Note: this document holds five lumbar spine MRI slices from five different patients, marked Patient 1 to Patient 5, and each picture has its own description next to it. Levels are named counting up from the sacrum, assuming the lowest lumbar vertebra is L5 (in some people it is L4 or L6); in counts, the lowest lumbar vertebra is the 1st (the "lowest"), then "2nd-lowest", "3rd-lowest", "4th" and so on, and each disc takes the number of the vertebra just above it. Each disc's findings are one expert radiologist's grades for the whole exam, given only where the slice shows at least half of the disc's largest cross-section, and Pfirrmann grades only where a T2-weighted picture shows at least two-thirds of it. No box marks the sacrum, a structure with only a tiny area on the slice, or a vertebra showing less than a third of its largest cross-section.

Patient 1 of 5:
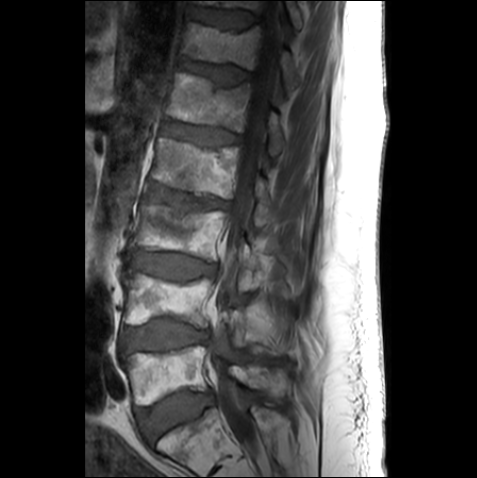 Sagittal slice index 14 | Image 477x478 | Patient sex: M | Slice spacing 3.3 mm | MRI lumbar spine (T1-weighted), sagittal plane

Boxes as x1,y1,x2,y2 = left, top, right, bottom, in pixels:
L2 vertebra at 152,138,270,226; T12/L1 at 181,58,250,85; L4 at 122,268,276,353; L3/L4 at 132,251,215,280; T12 vertebra at 182,23,300,92; intervertebral disc L4/L5 at 122,318,208,350; L5/S1 at 136,391,211,442; intervertebral disc L1/L2 at 164,120,240,145; thecal sac / spinal canal at 209,0,281,454; L1 vertebra at 166,72,286,155; L5 vertebra at 122,345,289,405; L3 at 132,203,261,289; intervertebral disc L2/L3 at 148,183,229,209; intervertebral disc T11/T12 at 191,7,259,30; T11 vertebra at 195,0,303,30.

Expert MSK radiologist gradings (per disc):
  T12/L1: upper-endplate change
  L4/L5: lower-endplate change
  L2/L3: upper-endplate change
  T11/T12, L5/S1, L1/L2, L3/L4: no Modic or endplate change, herniation, narrowing, bulging or spondylolisthesis recorded

Patient 2 of 5:
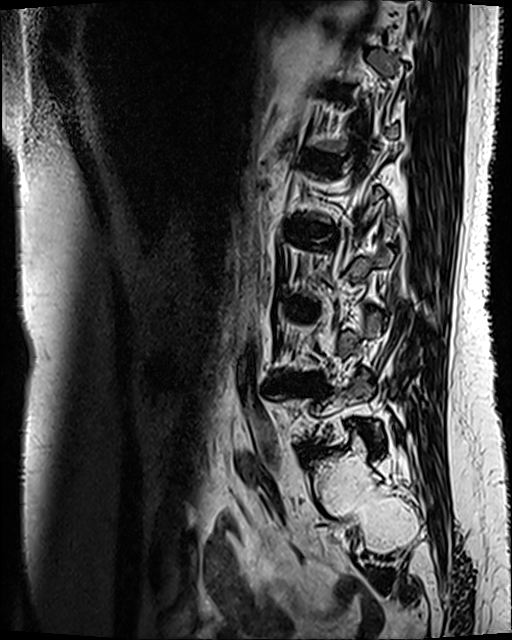 MRI lumbar spine (T2 SPACE (3D)), sagittal plane, Image 512x640, Slice 93 of 120

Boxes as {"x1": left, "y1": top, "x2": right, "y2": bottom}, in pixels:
3rd-lowest disc at {"x1": 286, "y1": 301, "x2": 316, "y2": 314}, 5th disc at {"x1": 303, "y1": 152, "x2": 335, "y2": 168}, 2nd-lowest disc at {"x1": 269, "y1": 379, "x2": 310, "y2": 388}, 4th disc at {"x1": 291, "y1": 224, "x2": 332, "y2": 241}.

Degenerative findings by level:
  4th disc: Modic type II, disc bulging

Patient 3 of 5:
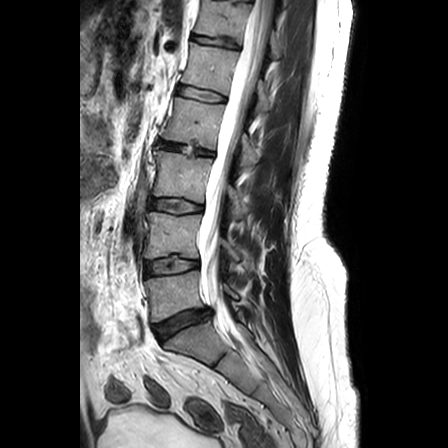 Sagittal T2-weighted lumbar spine MRI | 448x448 px | Patient sex: M

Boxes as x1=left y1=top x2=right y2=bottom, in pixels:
IVD L3/L4 at x1=151 y1=198 x2=201 y2=213, L1/L2 at x1=177 y1=85 x2=224 y2=101, L3 vertebra at x1=154 y1=150 x2=243 y2=218, L2 at x1=163 y1=97 x2=256 y2=170, L5 at x1=145 y1=270 x2=237 y2=321, T12/L1 at x1=192 y1=35 x2=237 y2=48, L1 vertebra at x1=182 y1=43 x2=270 y2=114, thecal sac / spinal canal at x1=202 y1=0 x2=273 y2=337, IVD L4/L5 at x1=145 y1=256 x2=198 y2=274, L5/S1 at x1=154 y1=310 x2=209 y2=340, L4 at x1=145 y1=212 x2=238 y2=261, L2/L3 at x1=158 y1=141 x2=213 y2=155, T12 at x1=196 y1=0 x2=280 y2=58.

Radiological gradings:
  T12/L1: Pfirrmann grade 2, upper-endplate change, lower-endplate change
  L5/S1: Pfirrmann grade 3, disc herniation
  L3/L4: Pfirrmann grade 2, upper-endplate change
  L2/L3: Pfirrmann grade 4, disc bulging, disc narrowing, lower-endplate change, upper-endplate change
  L1/L2: Pfirrmann grade 1
  L4/L5: Pfirrmann grade 2, lower-endplate change

Patient 4 of 5:
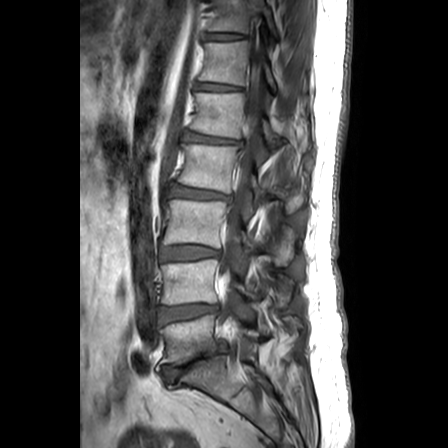

448x448 px, Lumbar spine MR, T1-weighted, sagittal

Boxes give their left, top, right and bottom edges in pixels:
disc L5/S1: left=163, top=344, right=226, bottom=381 | thecal sac / spinal canal: left=219, top=47, right=263, bottom=341 | T11/T12: left=208, top=33, right=241, bottom=39 | disc L3/L4: left=161, top=246, right=218, bottom=259 | disc L1/L2: left=185, top=132, right=237, bottom=143 | L2: left=178, top=144, right=304, bottom=212 | L4: left=162, top=259, right=291, bottom=304 | T12/L1: left=198, top=82, right=238, bottom=90 | disc L2/L3: left=171, top=186, right=229, bottom=200 | L1 vertebra: left=191, top=93, right=279, bottom=146 | T11 vertebra: left=210, top=0, right=277, bottom=36 | T12 vertebra: left=200, top=41, right=277, bottom=91 | L4/L5: left=160, top=304, right=218, bottom=322 | L5 vertebra: left=160, top=315, right=259, bottom=365 | L3: left=162, top=199, right=295, bottom=265

Expert MSK radiologist gradings (per disc):
  L5/S1: disc narrowing, lower-endplate change, Modic type II, spondylolisthesis, disc bulging, upper-endplate change, disc herniation
  L1/L2: Modic type II, upper-endplate change, disc bulging, lower-endplate change
  L2/L3: disc bulging
  L4/L5: disc bulging, disc narrowing
  L3/L4: disc bulging
  T11/T12, T12/L1: no herniation, bulging, narrowing, spondylolisthesis, endplate or Modic change recorded

Patient 5 of 5:
MRI lumbar spine (T1-weighted), sagittal plane | Patient sex: M | Slice spacing 4.4 mm

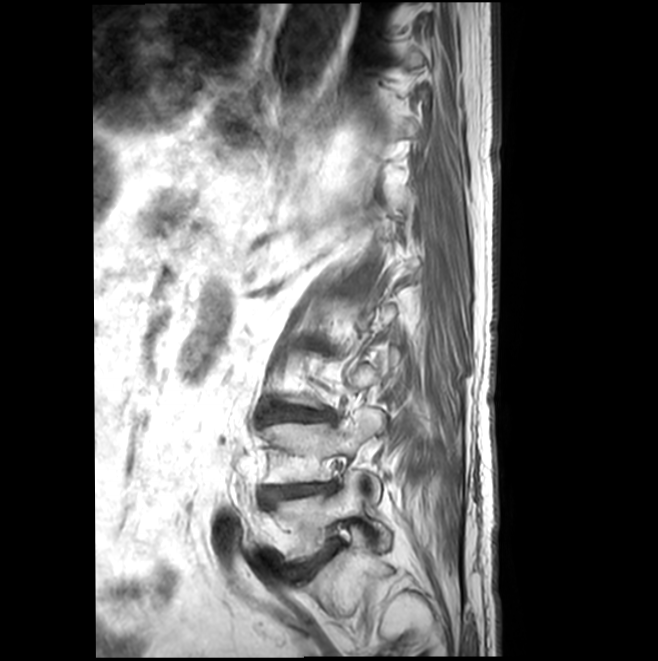
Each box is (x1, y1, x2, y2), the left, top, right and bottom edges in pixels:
{"2nd-lowest vertebra": "(262, 409, 383, 501)", "lowest vertebra": "(274, 471, 390, 562)", "lowest disc": "(296, 549, 332, 574)", "3rd-lowest disc": "(270, 410, 332, 421)", "2nd-lowest disc": "(260, 482, 335, 504)"}

Degenerative findings by level:
  3rd-lowest disc: disc narrowing, lower-endplate change, disc bulging, upper-endplate change, Modic type II
  2nd-lowest disc: lower-endplate change, upper-endplate change, disc narrowing, disc bulging, Modic type II